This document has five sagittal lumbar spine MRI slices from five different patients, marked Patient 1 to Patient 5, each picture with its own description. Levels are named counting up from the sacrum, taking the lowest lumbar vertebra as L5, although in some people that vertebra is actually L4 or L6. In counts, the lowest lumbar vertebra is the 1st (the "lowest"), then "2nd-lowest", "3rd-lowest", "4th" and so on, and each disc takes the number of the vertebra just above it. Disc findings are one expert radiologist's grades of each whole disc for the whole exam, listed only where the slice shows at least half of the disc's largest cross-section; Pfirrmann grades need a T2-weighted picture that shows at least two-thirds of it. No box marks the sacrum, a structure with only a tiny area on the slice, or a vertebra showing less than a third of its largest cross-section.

Patient 1 of 5:
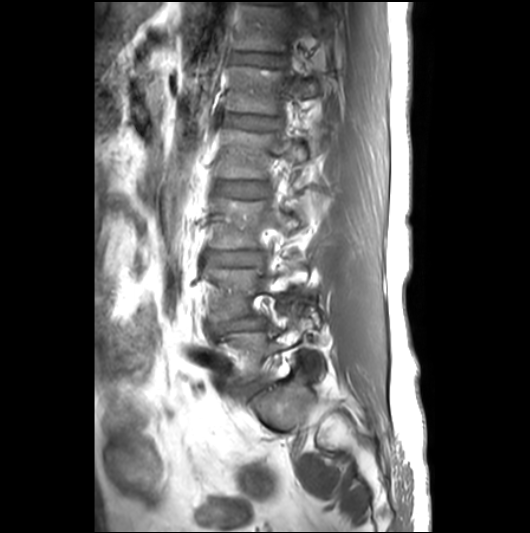
Sagittal slice index 18 | Sex M | Lumbar spine MR, T1-weighted, sagittal

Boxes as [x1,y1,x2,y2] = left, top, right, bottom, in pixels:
L5 vertebra — [215,308,320,381].
Disc L3/L4 — [206,251,260,266].
L3 — [210,198,303,249].
T12 — [234,6,322,51].
L4 vertebra — [204,264,309,320].
T12/L1 — [230,52,280,66].
L2 — [220,130,307,178].
Disc L2/L3 — [219,183,267,198].
L1/L2 — [227,114,279,128].
L1 — [227,67,322,114].
Disc L4/L5 — [210,315,266,334].
L5/S1 — [247,379,265,397].

Expert MSK radiologist gradings (per disc):
  T12/L1: lower-endplate change
  L3/L4: disc bulging, upper-endplate change
  L2/L3, L1/L2: no herniation, bulging, narrowing, spondylolisthesis, endplate or Modic change recorded

Patient 2 of 5:
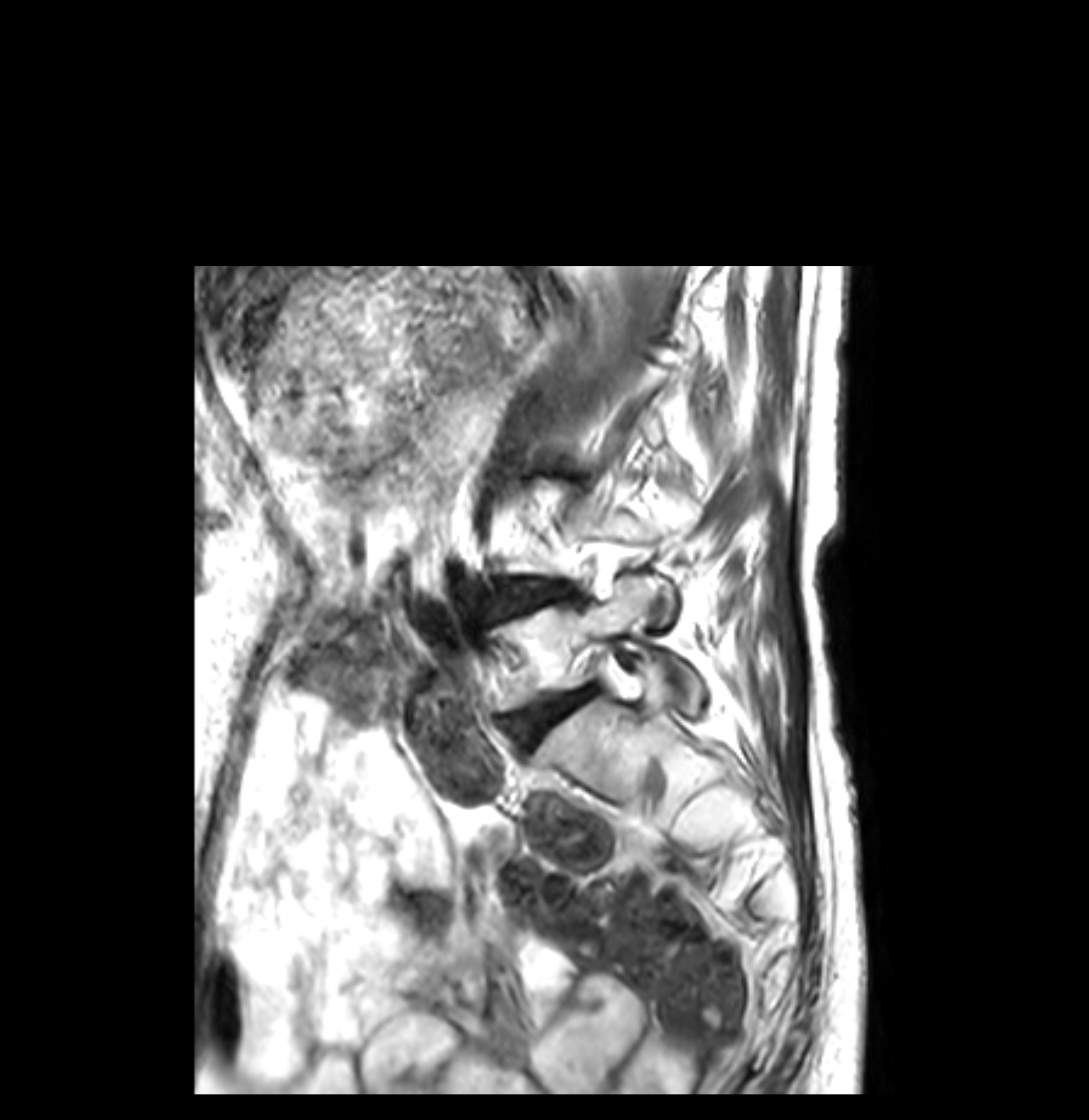
Lumbar spine MR, T2-weighted, sagittal. Sex F. 1089x1120 px.

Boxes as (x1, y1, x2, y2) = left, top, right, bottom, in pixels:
Structures:
* L5/S1: (513, 688, 590, 742)
* IVD L4/L5: (496, 581, 566, 617)
* L5: (494, 574, 702, 716)

Patient 3 of 5:
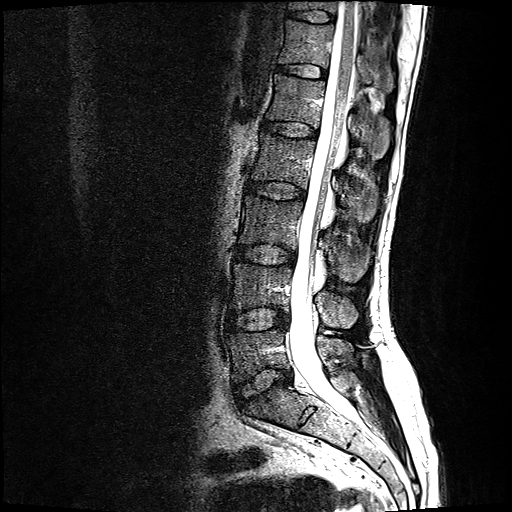
Patient sex: M | Slice 10 of 17 | T2-weighted sagittal MRI of the lumbar spine

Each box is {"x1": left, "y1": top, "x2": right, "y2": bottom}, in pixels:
L3/L4 — {"x1": 235, "y1": 243, "x2": 296, "y2": 263}.
T12/L1 — {"x1": 277, "y1": 64, "x2": 327, "y2": 76}.
Intervertebral disc T11/T12 — {"x1": 288, "y1": 10, "x2": 335, "y2": 21}.
Thecal sac / spinal canal — {"x1": 291, "y1": 0, "x2": 357, "y2": 412}.
T12 vertebra — {"x1": 278, "y1": 19, "x2": 393, "y2": 90}.
L5/S1 — {"x1": 233, "y1": 366, "x2": 292, "y2": 404}.
L4 — {"x1": 230, "y1": 262, "x2": 360, "y2": 325}.
L5 — {"x1": 227, "y1": 328, "x2": 354, "y2": 380}.
L4/L5 — {"x1": 226, "y1": 306, "x2": 289, "y2": 329}.
L3 — {"x1": 240, "y1": 191, "x2": 368, "y2": 278}.
L2 vertebra — {"x1": 252, "y1": 131, "x2": 376, "y2": 219}.
L1 — {"x1": 266, "y1": 72, "x2": 389, "y2": 155}.
T11 — {"x1": 288, "y1": 0, "x2": 374, "y2": 23}.
Intervertebral disc L1/L2 — {"x1": 262, "y1": 120, "x2": 316, "y2": 135}.
L2/L3 — {"x1": 247, "y1": 180, "x2": 305, "y2": 198}.

Expert MSK radiologist gradings (per disc):
- L2/L3: Pfirrmann grade 2
- L1/L2: Pfirrmann grade 2
- T12/L1: Pfirrmann grade 2
- L5/S1: Pfirrmann grade 2, disc bulging
- L3/L4: Pfirrmann grade 2, disc bulging
- T11/T12: Pfirrmann grade 2
- L4/L5: Pfirrmann grade 2, disc bulging

Patient 4 of 5:
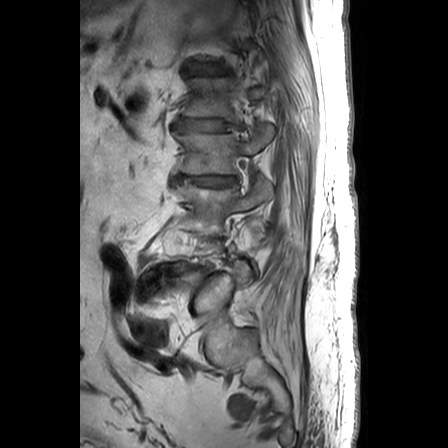
Slice spacing 3.3 mm, Sex M, Slice 22/26, Sagittal T1-weighted lumbar spine MRI

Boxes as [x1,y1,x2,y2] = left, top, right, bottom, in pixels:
2nd-lowest disc: [155,268,187,278] | 4th disc: [174,175,235,186] | 4th vertebra: [176,123,274,173] | 5th disc: [178,120,226,131] | 5th vertebra: [185,78,268,120] | 3rd-lowest vertebra: [175,176,273,228] | lowest vertebra: [171,261,252,310]

Per-level radiological findings:
  5th disc: disc bulging, disc narrowing
  4th disc: disc bulging, disc narrowing

Patient 5 of 5:
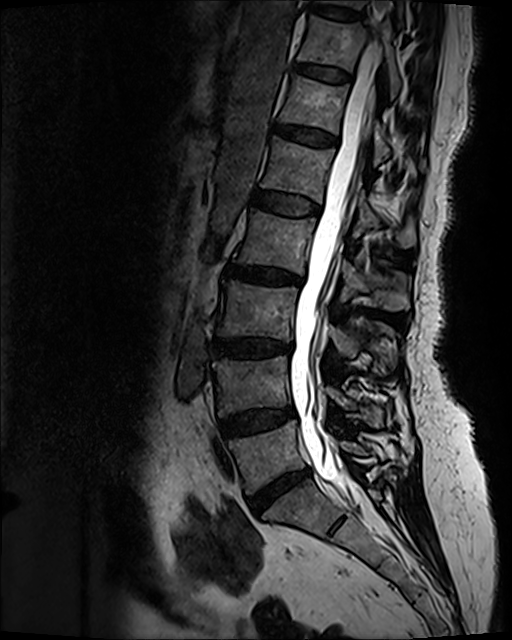
T2 SPACE (3D) sagittal MRI of the lumbar spine | Field of view 240x300 mm, slice spacing 0.9 mm
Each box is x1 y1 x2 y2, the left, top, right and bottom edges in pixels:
{"thecal sac / spinal canal": "290 37 381 505", "T11 vertebra": "297 16 399 98", "L1": "261 136 415 248", "L4/L5": "221 406 294 437", "L5/S1": "249 471 308 515", "L1/L2": "252 191 318 215", "L2 vertebra": "233 209 408 310", "L3": "218 281 394 373", "T12/L1": "273 124 337 146", "T10/T11": "310 4 360 20", "disc L3/L4": "212 339 291 355", "disc L2/L3": "226 265 300 283", "T11/T12": "295 64 351 81", "T12": "279 75 426 170", "L5 vertebra": "229 421 366 494", "L4 vertebra": "212 356 383 425"}

Degenerative findings by level:
- L4/L5: Pfirrmann grade 3, disc bulging
- L5/S1: Pfirrmann grade 4, disc narrowing, disc bulging
- L2/L3: Pfirrmann grade 4, disc bulging, lower-endplate change, disc narrowing, Modic type II, upper-endplate change
- L1/L2: Pfirrmann grade 2
- T11/T12: Pfirrmann grade 2
- T12/L1: Pfirrmann grade 3, disc bulging
- L3/L4: Pfirrmann grade 4, lower-endplate change, disc narrowing, Modic type II, upper-endplate change, disc bulging
- T10/T11: no spondylolisthesis, narrowing, bulging, herniation, Modic or endplate change recorded